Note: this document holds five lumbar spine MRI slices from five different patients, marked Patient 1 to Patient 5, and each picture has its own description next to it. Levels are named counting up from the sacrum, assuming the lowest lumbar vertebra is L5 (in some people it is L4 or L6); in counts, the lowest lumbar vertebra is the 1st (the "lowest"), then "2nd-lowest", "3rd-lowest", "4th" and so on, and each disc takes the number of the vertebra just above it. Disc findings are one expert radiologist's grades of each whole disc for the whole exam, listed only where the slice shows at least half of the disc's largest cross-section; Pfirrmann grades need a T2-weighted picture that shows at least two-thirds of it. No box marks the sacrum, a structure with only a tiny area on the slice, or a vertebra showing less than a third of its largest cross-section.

Patient 1 of 5:
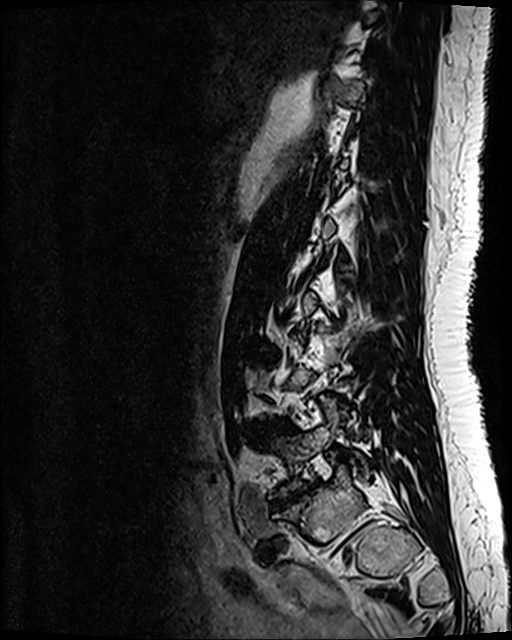
MRI lumbar spine (T2 SPACE (3D)), sagittal plane

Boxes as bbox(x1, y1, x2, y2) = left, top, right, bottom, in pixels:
L5/S1 at bbox(273, 483, 315, 508); L4/L5 at bbox(255, 423, 285, 436).

Patient 2 of 5:
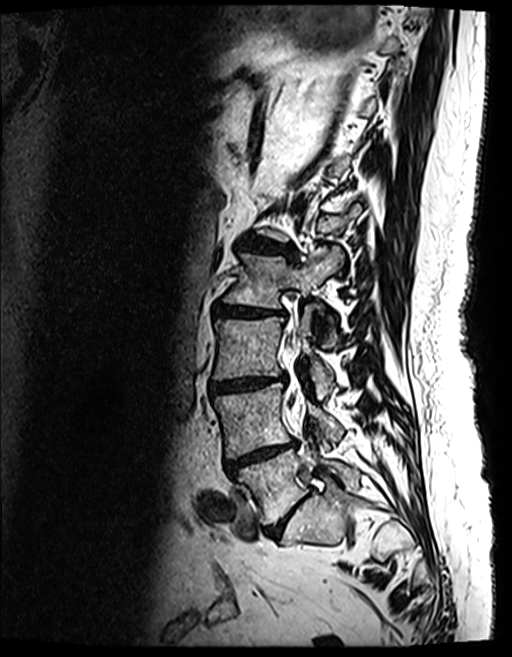 Lumbar spine MR, T2 SPACE (3D), sagittal; Slice 94 of 154; Image 512x657
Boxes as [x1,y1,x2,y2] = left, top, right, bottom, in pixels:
L4/L5 at [226,442,297,474], L3 at [213,305,333,399], thecal sac / spinal canal at [290,342,306,414], L2/L3 at [213,302,285,317], L5 vertebra at [236,439,359,524], L2 vertebra at [224,247,343,321], intervertebral disc L3/L4 at [210,375,285,393], L5/S1 at [263,500,303,537], L4 at [213,383,343,457], L1/L2 at [240,241,295,259].

Degenerative findings by level:
  L3/L4: Pfirrmann grade 4, disc bulging, Modic type II, lower-endplate change, disc narrowing, upper-endplate change
  L4/L5: Pfirrmann grade 5, lower-endplate change, Modic type II, disc narrowing, disc bulging, upper-endplate change
  L2/L3: Pfirrmann grade 4, upper-endplate change, disc narrowing, disc bulging, lower-endplate change, Modic type II

Patient 3 of 5:
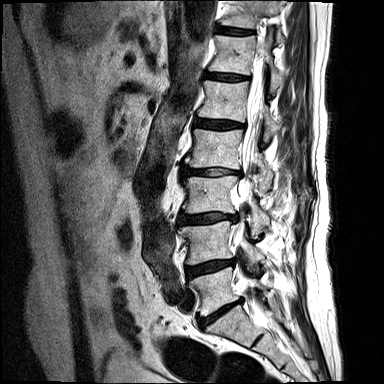

Sagittal T2-weighted lumbar spine MRI
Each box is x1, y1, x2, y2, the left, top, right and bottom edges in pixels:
L2/L3 = 181, 166, 241, 175.
IVD T12/L1 = 205, 72, 248, 81.
T11 vertebra = 221, 0, 283, 41.
IVD L1/L2 = 193, 118, 244, 128.
T12 vertebra = 209, 34, 284, 92.
L4 vertebra = 178, 221, 264, 265.
IVD T11/T12 = 216, 26, 253, 35.
L3 = 181, 175, 269, 232.
IVD L5/S1 = 197, 300, 241, 330.
IVD L4/L5 = 185, 259, 235, 278.
L2 = 183, 128, 273, 192.
L5 vertebra = 188, 267, 266, 316.
IVD L3/L4 = 178, 213, 236, 224.
L1 vertebra = 197, 80, 279, 138.
Spinal canal = 233, 54, 263, 303.

Per-level radiological findings:
- L2/L3: Pfirrmann grade 4, lower-endplate change, Modic type II, disc narrowing, disc herniation
- T12/L1: Pfirrmann grade 4, disc narrowing, Modic type II
- L5/S1: Pfirrmann grade 4, disc narrowing, disc bulging, Modic type II
- L1/L2: Pfirrmann grade 4, Modic type II, disc bulging, lower-endplate change, disc narrowing
- L3/L4: Pfirrmann grade 4, disc herniation, Modic type II, lower-endplate change, upper-endplate change, disc narrowing
- L4/L5: Pfirrmann grade 4, Modic type II, lower-endplate change, disc narrowing, disc bulging
- T11/T12: Pfirrmann grade 4, Modic type II, lower-endplate change, disc narrowing, upper-endplate change

Patient 4 of 5:
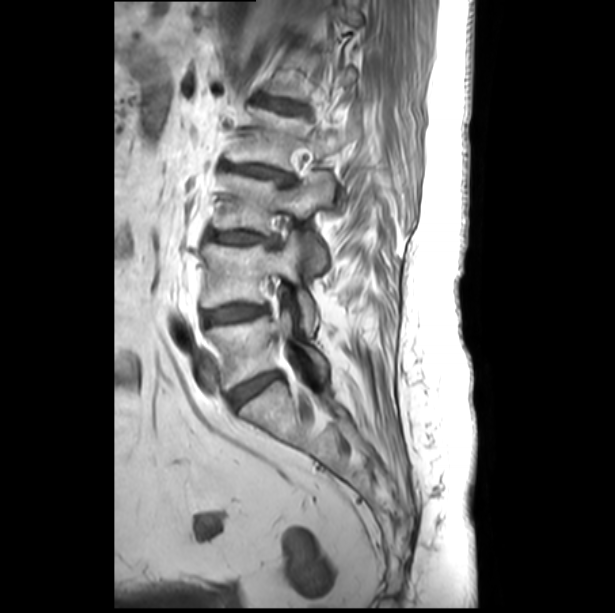

615x613 px. T1-weighted sagittal MRI of the lumbar spine.

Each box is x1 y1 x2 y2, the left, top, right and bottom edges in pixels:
Segmented structures:
- L4/L5 at 203 304 265 325
- L2 at 225 107 357 169
- intervertebral disc L5/S1 at 229 373 278 407
- L5 at 205 294 329 388
- L3 vertebra at 212 170 334 271
- intervertebral disc L1/L2 at 264 99 304 111
- intervertebral disc L2/L3 at 225 162 293 184
- L4 at 201 231 318 333
- L3/L4 at 208 231 277 245

Per-level radiological findings:
• L4/L5: disc bulging
• L2/L3: disc narrowing, upper-endplate change, Modic type II, lower-endplate change, disc bulging
• L3/L4: Modic type II, upper-endplate change, disc bulging, disc narrowing, lower-endplate change
• L1/L2: Modic type II, disc bulging, lower-endplate change, upper-endplate change

Patient 5 of 5:
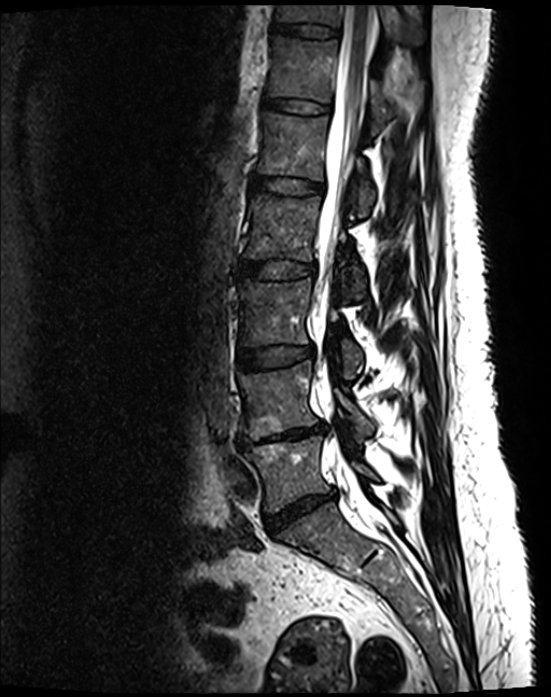
MRI lumbar spine (T2 SPACE (3D)), sagittal plane; Field of view 240x304 mm, slice spacing 0.9 mm

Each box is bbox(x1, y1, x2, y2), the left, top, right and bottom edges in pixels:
L1 vertebra: bbox(257, 111, 376, 217)
T12/L1: bbox(263, 98, 329, 113)
L5 vertebra: bbox(245, 435, 377, 512)
L4: bbox(238, 361, 373, 438)
disc T11/T12: bbox(272, 23, 337, 37)
L2/L3: bbox(238, 262, 314, 279)
L5/S1: bbox(265, 493, 335, 533)
disc L4/L5: bbox(237, 424, 324, 450)
T11 vertebra: bbox(276, 5, 425, 45)
L3: bbox(238, 280, 362, 377)
thecal sac / spinal canal: bbox(313, 5, 374, 465)
L2 vertebra: bbox(244, 194, 366, 298)
disc L1/L2: bbox(252, 176, 323, 194)
L3/L4: bbox(238, 346, 313, 370)
T12: bbox(267, 36, 399, 135)

Expert MSK radiologist gradings (per disc):
- L3/L4: Pfirrmann grade 2
- T11/T12: Pfirrmann grade 2
- L1/L2: Pfirrmann grade 2
- L4/L5: Pfirrmann grade 5, disc narrowing, lower-endplate change, Modic type II, disc bulging, upper-endplate change
- T12/L1: Pfirrmann grade 2
- L2/L3: Pfirrmann grade 2
- L5/S1: Pfirrmann grade 4, disc narrowing, disc bulging